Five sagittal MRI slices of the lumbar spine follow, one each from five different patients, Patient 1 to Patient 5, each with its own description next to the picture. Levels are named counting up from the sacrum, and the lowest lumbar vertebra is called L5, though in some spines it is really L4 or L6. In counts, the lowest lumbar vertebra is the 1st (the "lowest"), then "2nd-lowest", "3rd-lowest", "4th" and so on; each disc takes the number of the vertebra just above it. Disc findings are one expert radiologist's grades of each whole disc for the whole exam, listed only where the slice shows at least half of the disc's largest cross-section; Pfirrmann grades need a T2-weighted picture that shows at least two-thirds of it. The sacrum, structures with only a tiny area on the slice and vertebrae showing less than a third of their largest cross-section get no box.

Patient 1 of 5:
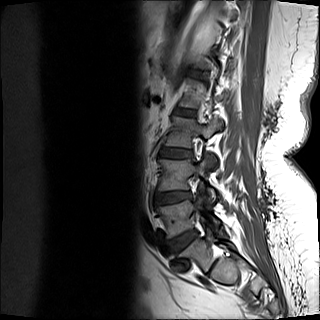 MRI lumbar spine (T1-weighted), sagittal plane; Image 320x320; Slice 11/15
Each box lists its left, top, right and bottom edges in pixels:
L3 vertebra at left=161, top=116, right=222, bottom=168; L4 at left=158, top=156, right=215, bottom=200; L5/S1 at left=167, top=229, right=197, bottom=250; L5 vertebra at left=156, top=198, right=219, bottom=237; IVD L4/L5 at left=155, top=191, right=191, bottom=204; L2/L3 at left=175, top=108, right=195, bottom=116; L3/L4 at left=160, top=148, right=192, bottom=157.

Degenerative findings by level:
• L4/L5: Modic type II, disc narrowing, disc bulging
• L3/L4: lower-endplate change
• L2/L3, L5/S1: no herniation, bulging, narrowing, spondylolisthesis, endplate or Modic change recorded

Patient 2 of 5:
Scanner: Philips Medical Systems Ingenia (1.5T), T1-weighted sagittal MRI of the lumbar spine, Sex F
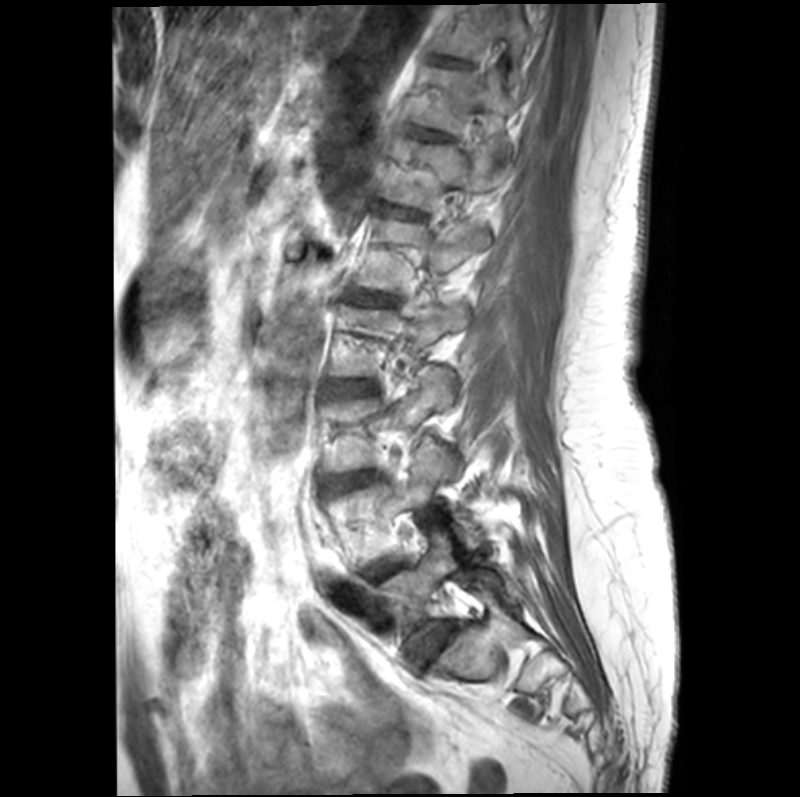

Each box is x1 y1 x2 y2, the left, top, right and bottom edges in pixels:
L3 vertebra at 325 368 454 473, L1 at 353 219 487 292, T11/T12 at 414 131 449 140, T10 at 432 4 529 58, T10/T11 at 437 57 462 65, L3/L4 at 327 472 374 492, IVD L1/L2 at 348 290 394 304, L4 at 343 444 478 559, T12/L1 at 392 209 415 216, T12 vertebra at 385 141 496 209, L5 at 380 532 459 650, T11 vertebra at 413 66 509 154, L2 vertebra at 328 305 467 377, IVD L4/L5 at 354 560 405 595, IVD L2/L3 at 322 381 374 395, IVD L5/S1 at 413 621 457 669.

Degenerative findings by level:
• L5/S1: Modic type II

Patient 3 of 5:
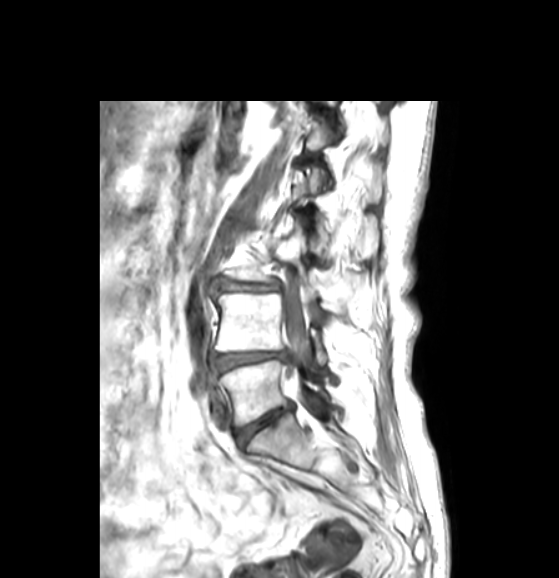

Sex F | MRI lumbar spine (T1-weighted), sagittal plane

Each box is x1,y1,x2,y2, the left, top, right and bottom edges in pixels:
IVD L5/S1 — 236,405,291,443.
L4 vertebra — 216,292,327,364.
L5 — 218,359,327,425.
L3 — 226,223,370,310.
L3/L4 — 221,279,279,290.
IVD L4/L5 — 212,351,286,371.
Spinal canal — 282,285,307,388.

Degenerative findings by level:
- L5/S1: disc narrowing, disc bulging
- L4/L5: disc bulging
- L3/L4: disc bulging, disc narrowing

Patient 4 of 5:
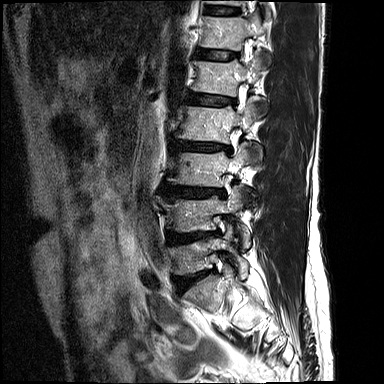 T2-weighted sagittal MRI of the lumbar spine.
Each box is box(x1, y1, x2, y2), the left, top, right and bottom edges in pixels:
L3/L4: box(166, 185, 224, 198)
disc L5/S1: box(175, 269, 214, 293)
L5: box(168, 225, 248, 278)
L3: box(169, 142, 261, 186)
disc L2/L3: box(171, 141, 230, 151)
L1: box(192, 51, 270, 96)
disc L1/L2: box(185, 91, 234, 106)
disc T12/L1: box(196, 48, 237, 60)
L2: box(175, 99, 267, 143)
T11: box(207, 0, 270, 17)
disc T11/T12: box(206, 6, 238, 15)
T12: box(201, 11, 268, 50)
L4 vertebra: box(162, 186, 250, 247)
disc L4/L5: box(169, 230, 219, 244)

Per-level radiological findings:
  L3/L4: Pfirrmann grade 3, upper-endplate change, lower-endplate change, disc bulging
  T12/L1: Pfirrmann grade 2, lower-endplate change, upper-endplate change
  L1/L2: Pfirrmann grade 3, lower-endplate change, disc bulging, upper-endplate change
  T11/T12: Pfirrmann grade 2
  L2/L3: Pfirrmann grade 3, disc narrowing, upper-endplate change, disc bulging, lower-endplate change

Patient 5 of 5:
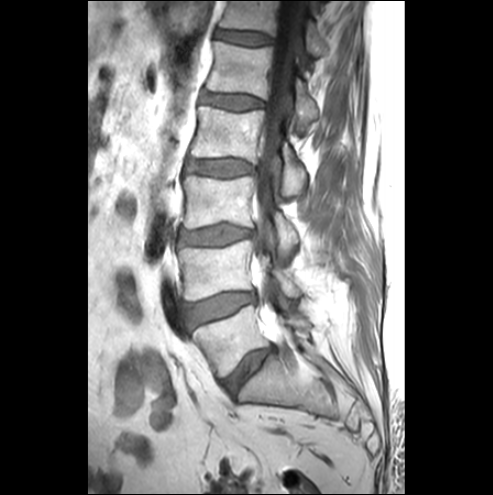
Image 493x495. Sagittal T1-weighted lumbar spine MRI. Slice 16 of 25.

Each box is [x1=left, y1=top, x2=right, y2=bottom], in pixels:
3rd-lowest disc at [x1=180, y1=226, x2=251, y2=244], 4th disc at [x1=186, y1=159, x2=254, y2=176], 2nd-lowest vertebra at [x1=178, y1=240, x2=300, y2=300], 5th vertebra at [x1=207, y1=41, x2=318, y2=130], 3rd-lowest vertebra at [x1=183, y1=176, x2=298, y2=257], 6th vertebra at [x1=219, y1=1, x2=327, y2=56], lowest vertebra at [x1=194, y1=305, x2=310, y2=376], 4th vertebra at [x1=190, y1=105, x2=305, y2=197], 6th disc at [x1=216, y1=29, x2=272, y2=44], 5th disc at [x1=201, y1=92, x2=263, y2=109], thecal sac / spinal canal at [x1=253, y1=1, x2=304, y2=256], 2nd-lowest disc at [x1=188, y1=292, x2=253, y2=328], lowest disc at [x1=221, y1=347, x2=272, y2=394].

Degenerative findings by level:
- lowest disc: disc bulging, disc narrowing
- 2nd-lowest disc: disc bulging, Modic type III
- 3rd-lowest disc: disc bulging
- 5th disc, 6th disc, 4th disc: no Modic or endplate change, herniation, narrowing, bulging or spondylolisthesis recorded